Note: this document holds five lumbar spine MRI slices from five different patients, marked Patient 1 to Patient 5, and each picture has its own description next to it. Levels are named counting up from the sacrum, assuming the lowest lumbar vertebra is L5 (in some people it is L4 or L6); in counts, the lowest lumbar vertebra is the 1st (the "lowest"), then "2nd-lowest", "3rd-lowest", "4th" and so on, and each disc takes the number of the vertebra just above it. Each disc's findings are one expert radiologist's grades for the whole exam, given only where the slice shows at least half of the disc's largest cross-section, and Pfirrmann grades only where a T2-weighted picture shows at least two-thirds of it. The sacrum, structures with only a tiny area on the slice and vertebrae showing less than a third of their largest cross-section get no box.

Patient 1 of 5:
Sex F; MRI lumbar spine (T2 SPACE (3D)), sagittal plane 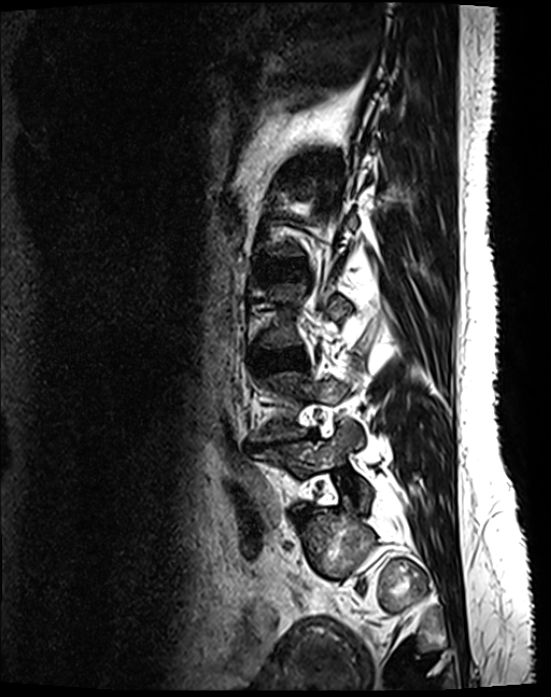
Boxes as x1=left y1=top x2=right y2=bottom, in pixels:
{"disc L2/L3": "x1=267 y1=267 x2=294 y2=275", "disc L3/L4": "x1=266 y1=349 x2=303 y2=367", "L5": "x1=253 y1=424 x2=369 y2=508", "L4/L5": "x1=247 y1=433 x2=317 y2=450"}

Patient 2 of 5:
T1-weighted sagittal MRI of the lumbar spine, 448x448 px

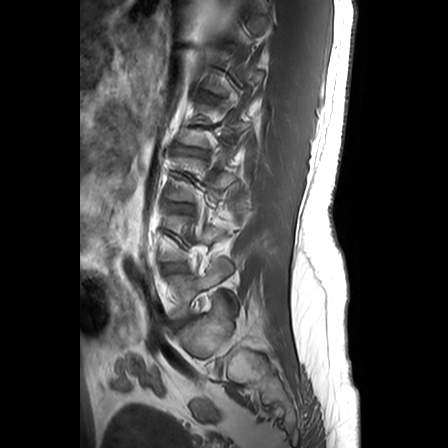

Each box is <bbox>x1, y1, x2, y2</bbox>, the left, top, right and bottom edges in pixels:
2nd-lowest disc at <bbox>164, 264, 182, 271</bbox>, 4th disc at <bbox>179, 148, 207, 156</bbox>, 3rd-lowest disc at <bbox>170, 204, 191, 211</bbox>, lowest disc at <bbox>172, 318, 187, 325</bbox>, lowest vertebra at <bbox>170, 258, 233, 318</bbox>.

Patient 3 of 5:
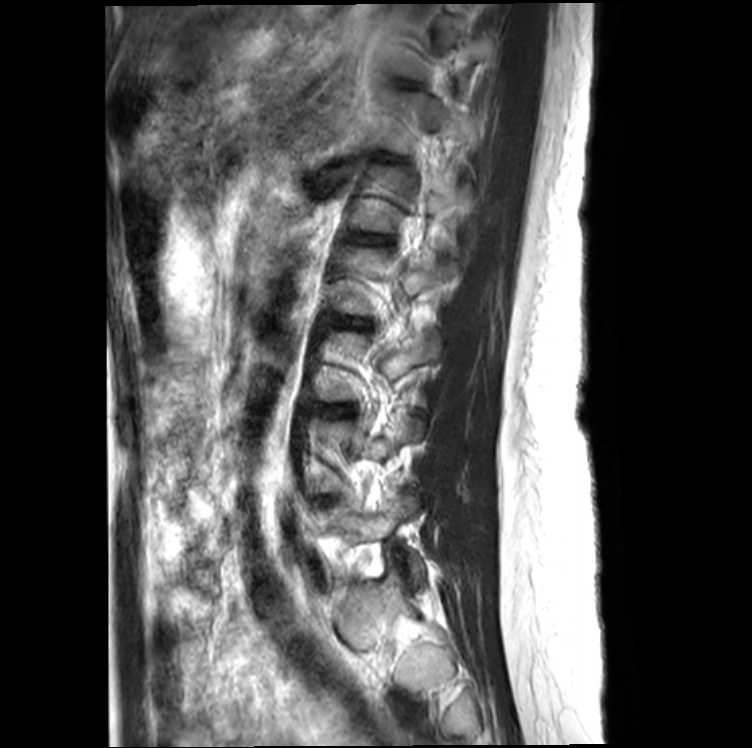 Sex F. Sagittal T2-weighted lumbar spine MRI.
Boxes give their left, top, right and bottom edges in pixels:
3rd-lowest disc at left=309, top=404, right=353, bottom=417; 5th disc at left=354, top=234, right=389, bottom=243; 4th disc at left=333, top=318, right=366, bottom=329.

Patient 4 of 5:
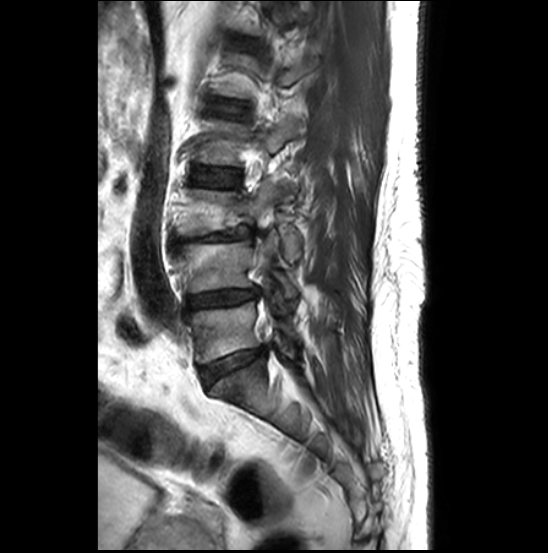
Lumbar spine MR, T2-weighted, sagittal, Slice 10 of 27, 548x553 px

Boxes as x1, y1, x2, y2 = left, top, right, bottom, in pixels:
L2 = 195, 118, 299, 165.
Disc L5/S1 = 202, 347, 265, 385.
L4/L5 = 186, 288, 259, 310.
L3 = 176, 180, 301, 261.
L3/L4 = 171, 227, 254, 247.
L2/L3 = 192, 167, 238, 187.
L5 vertebra = 190, 302, 299, 363.
L4 = 171, 231, 298, 297.
L1/L2 = 208, 98, 249, 119.

Degenerative findings by level:
• L2/L3: Pfirrmann grade 2
• L4/L5: Pfirrmann grade 3, Modic type II, disc narrowing, disc bulging, lower-endplate change, upper-endplate change
• L3/L4: Pfirrmann grade 5, upper-endplate change, disc narrowing, Modic type II, lower-endplate change, disc herniation, spondylolisthesis
• L5/S1: Pfirrmann grade 3, disc bulging, upper-endplate change, Modic type II, lower-endplate change, disc narrowing
• L1/L2: no spondylolisthesis, narrowing, bulging, herniation, Modic or endplate change recorded

Patient 5 of 5:
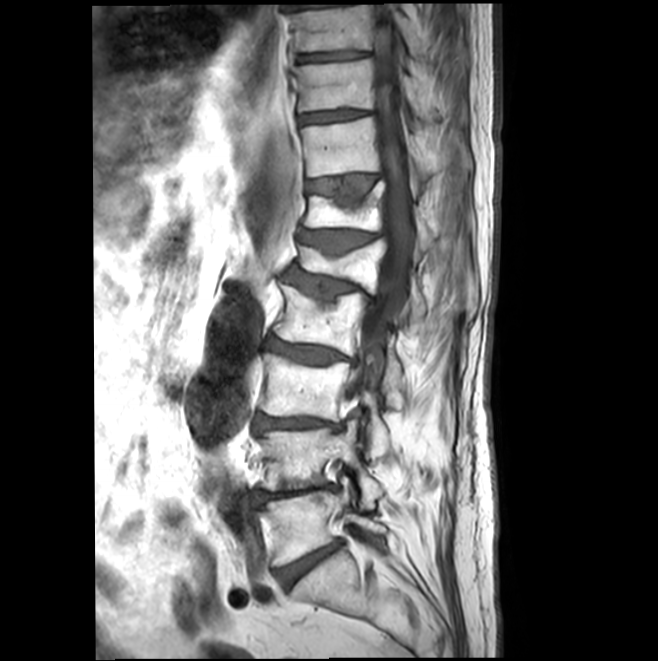 Field of view 308x310 mm, slice spacing 4.4 mm | MRI lumbar spine (T1-weighted), sagittal plane

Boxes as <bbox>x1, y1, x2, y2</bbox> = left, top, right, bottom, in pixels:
disc L2/L3 (4th disc) — <bbox>265, 338, 353, 364</bbox> | T12/L1 (6th disc) — <bbox>300, 230, 378, 254</bbox> | T9/T10 (9th disc) — <bbox>296, 51, 366, 62</bbox> | T11/T12 (7th disc) — <bbox>306, 175, 377, 201</bbox> | L1 (5th vertebra) — <bbox>293, 239, 424, 315</bbox> | L2 (4th vertebra) — <bbox>273, 285, 400, 385</bbox> | L4 (2nd-lowest vertebra) — <bbox>260, 419, 382, 507</bbox> | T12 (6th vertebra) — <bbox>302, 182, 434, 248</bbox> | disc L5/S1 (lowest disc) — <bbox>274, 541, 341, 588</bbox> | T9 (9th vertebra) — <bbox>289, 5, 420, 54</bbox> | disc L1/L2 (5th disc) — <bbox>286, 270, 374, 299</bbox> | thecal sac / spinal canal — <bbox>358, 6, 413, 390</bbox> | disc L3/L4 (3rd-lowest disc) — <bbox>255, 413, 340, 431</bbox> | L5 (lowest vertebra) — <bbox>261, 486, 386, 566</bbox> | T10/T11 (8th disc) — <bbox>297, 109, 368, 123</bbox> | T10 (8th vertebra) — <bbox>292, 58, 465, 119</bbox> | L3 (3rd-lowest vertebra) — <bbox>260, 354, 390, 457</bbox> | L4/L5 (2nd-lowest disc) — <bbox>255, 485, 333, 503</bbox> | T11 (7th vertebra) — <bbox>301, 117, 470, 176</bbox>

Per-level radiological findings:
- T11/T12 (7th disc): upper-endplate change, Modic type II
- L5/S1 (lowest disc): Modic type II, disc narrowing, disc bulging
- L3/L4 (3rd-lowest disc): disc narrowing, disc bulging, upper-endplate change, Modic type II, lower-endplate change
- T12/L1 (6th disc): upper-endplate change, Modic type II, disc narrowing
- L2/L3 (4th disc): Modic type II, disc narrowing, disc bulging, upper-endplate change
- L1/L2 (5th disc): disc narrowing, upper-endplate change, disc bulging, spondylolisthesis, Modic type II
- T9/T10 (9th disc), T10/T11 (8th disc): no herniation, bulging, narrowing, spondylolisthesis, endplate or Modic change recorded